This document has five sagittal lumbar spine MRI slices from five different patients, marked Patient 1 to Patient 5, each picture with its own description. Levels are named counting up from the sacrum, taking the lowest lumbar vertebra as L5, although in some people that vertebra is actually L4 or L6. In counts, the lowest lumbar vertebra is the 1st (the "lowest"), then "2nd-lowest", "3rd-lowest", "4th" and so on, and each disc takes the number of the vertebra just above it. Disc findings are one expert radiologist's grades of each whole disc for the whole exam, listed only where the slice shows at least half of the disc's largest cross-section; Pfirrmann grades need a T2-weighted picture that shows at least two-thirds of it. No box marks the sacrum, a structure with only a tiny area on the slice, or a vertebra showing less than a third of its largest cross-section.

Patient 1 of 5:
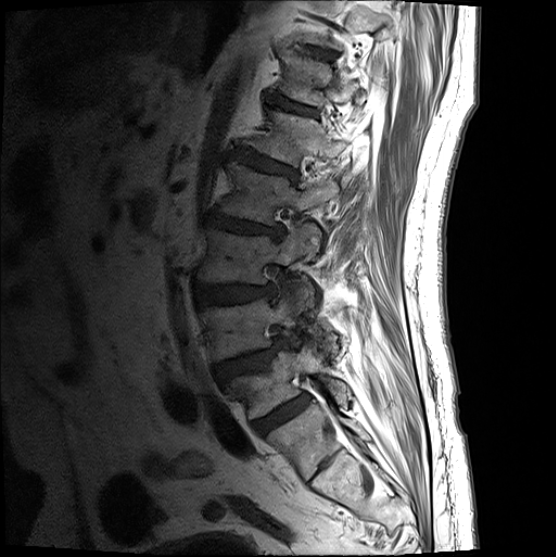
Patient sex: M. 556x557 px. MRI lumbar spine (T1-weighted), sagittal plane.
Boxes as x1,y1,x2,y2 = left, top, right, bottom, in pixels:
3rd-lowest disc at 195,286,275,308; 2nd-lowest disc at 216,340,284,384; 3rd-lowest vertebra at 198,224,321,308; 4th vertebra at 220,164,339,227; 2nd-lowest vertebra at 201,296,296,363; 5th disc at 236,151,296,181; 6th disc at 276,99,317,118; lowest disc at 253,396,309,435; lowest vertebra at 228,345,349,420; 5th vertebra at 249,114,345,168; 4th disc at 207,214,283,239.

Per-level radiological findings:
• 2nd-lowest disc: upper-endplate change, disc herniation, spondylolisthesis
• 3rd-lowest disc: disc bulging
• 4th disc: lower-endplate change, upper-endplate change, disc narrowing, disc bulging
• 5th disc: lower-endplate change, upper-endplate change, disc bulging
• 6th disc, lowest disc: no herniation, bulging, narrowing, spondylolisthesis, endplate or Modic change recorded

Patient 2 of 5:
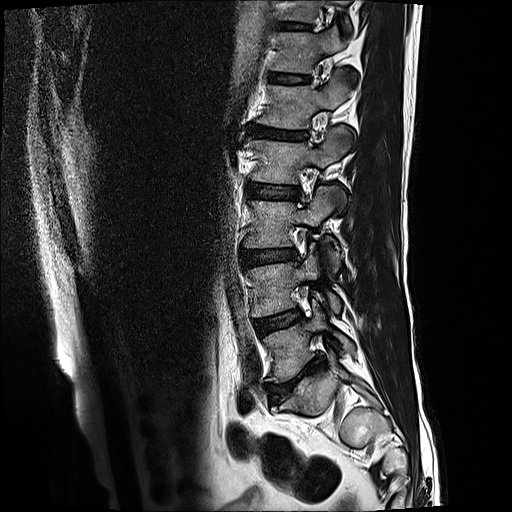 MRI lumbar spine (T2-weighted), sagittal plane | Slice 15 of 17

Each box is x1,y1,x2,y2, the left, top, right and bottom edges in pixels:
L2/L3 — 246,182,300,198.
L2 vertebra — 246,127,349,183.
L3 vertebra — 244,186,339,269.
L4 — 247,252,341,317.
Disc L3/L4 — 242,246,296,265.
T12 — 270,26,345,72.
L1 vertebra — 257,74,349,127.
Disc L5/S1 — 266,354,326,401.
Disc T12/L1 — 268,71,309,83.
Disc L4/L5 — 254,309,302,333.
L5 vertebra — 262,302,354,381.
Disc L1/L2 — 246,125,307,140.
T11/T12 — 278,22,312,29.

Radiological gradings:
  L1/L2: Pfirrmann grade 5, disc narrowing, upper-endplate change, disc bulging, Modic type II, lower-endplate change
  L5/S1: Pfirrmann grade 5, disc narrowing, Modic type II, upper-endplate change, disc bulging, lower-endplate change
  T11/T12: lower-endplate change, upper-endplate change
  T12/L1: Pfirrmann grade 3
  L3/L4: Pfirrmann grade 3, lower-endplate change, upper-endplate change, disc bulging
  L2/L3: Pfirrmann grade 3

Patient 3 of 5:
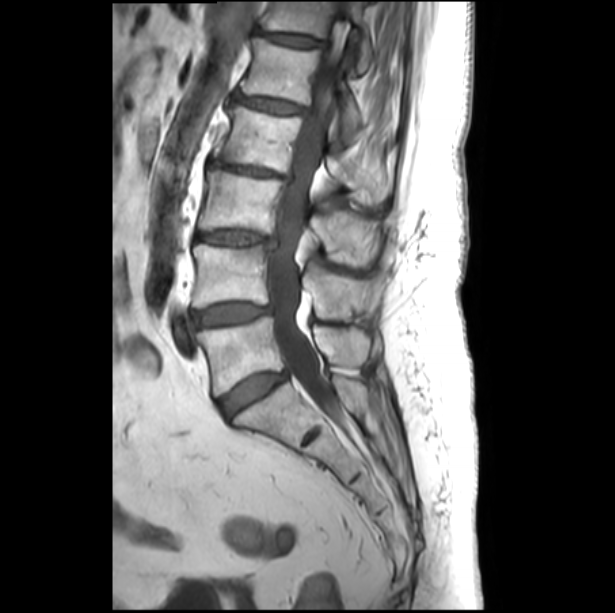

Image 615x613. MRI lumbar spine (T1-weighted), sagittal plane. Sex F.

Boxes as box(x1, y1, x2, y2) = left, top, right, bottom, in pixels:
6th vertebra at box(261, 2, 373, 73); 4th disc at box(209, 159, 290, 179); 3rd-lowest vertebra at box(199, 169, 377, 266); 5th vertebra at box(240, 38, 364, 138); 2nd-lowest vertebra at box(192, 244, 376, 320); 2nd-lowest disc at box(191, 302, 271, 327); 4th vertebra at box(214, 104, 390, 203); thecal sac / spinal canal at box(268, 20, 346, 408); 3rd-lowest disc at box(195, 231, 276, 246); 6th disc at box(260, 32, 323, 46); 5th disc at box(234, 94, 304, 113); lowest vertebra at box(197, 316, 370, 395); lowest disc at box(218, 373, 286, 417).

Expert MSK radiologist gradings (per disc):
• 4th disc: Modic type II, upper-endplate change, disc bulging, disc narrowing, lower-endplate change
• 6th disc: Modic type II, lower-endplate change, disc bulging, upper-endplate change
• 5th disc: upper-endplate change, disc bulging, Modic type II, lower-endplate change
• lowest disc: disc bulging
• 2nd-lowest disc: disc bulging
• 3rd-lowest disc: lower-endplate change, disc narrowing, disc bulging, upper-endplate change, Modic type II

Patient 4 of 5:
Slice 6 of 15; MRI lumbar spine (T2-weighted), sagittal plane

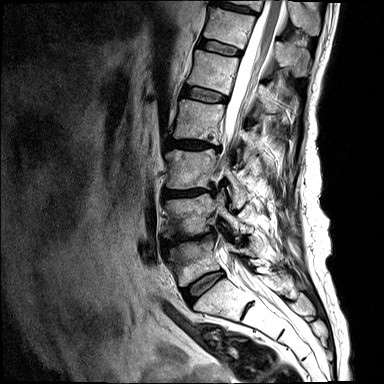
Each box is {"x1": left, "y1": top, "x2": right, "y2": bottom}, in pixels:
Disc T11/T12: {"x1": 211, "y1": 1, "x2": 255, "y2": 13}.
Disc L1/L2: {"x1": 182, "y1": 86, "x2": 227, "y2": 102}.
T12 vertebra: {"x1": 203, "y1": 6, "x2": 308, "y2": 75}.
L5/S1: {"x1": 183, "y1": 271, "x2": 223, "y2": 304}.
L3: {"x1": 166, "y1": 149, "x2": 247, "y2": 209}.
Disc L4/L5: {"x1": 173, "y1": 232, "x2": 212, "y2": 244}.
Disc T12/L1: {"x1": 198, "y1": 37, "x2": 242, "y2": 56}.
L2/L3: {"x1": 167, "y1": 139, "x2": 220, "y2": 152}.
L1: {"x1": 187, "y1": 49, "x2": 273, "y2": 116}.
Spinal canal: {"x1": 222, "y1": 0, "x2": 283, "y2": 289}.
L3/L4: {"x1": 164, "y1": 189, "x2": 215, "y2": 196}.
L4 vertebra: {"x1": 166, "y1": 191, "x2": 253, "y2": 234}.
L5 vertebra: {"x1": 168, "y1": 238, "x2": 255, "y2": 286}.
T11: {"x1": 231, "y1": 0, "x2": 319, "y2": 34}.
L2: {"x1": 173, "y1": 99, "x2": 258, "y2": 162}.

Per-level radiological findings:
  T11/T12: Pfirrmann grade 3, upper-endplate change, lower-endplate change
  T12/L1: Pfirrmann grade 3
  L5/S1: Pfirrmann grade 3, Modic type II, disc bulging
  L2/L3: Pfirrmann grade 4, lower-endplate change, Modic type II, disc narrowing, upper-endplate change, disc bulging
  L1/L2: Pfirrmann grade 3
  L4/L5: upper-endplate change, lower-endplate change, disc bulging, disc narrowing, Modic type I
  L3/L4: disc narrowing, lower-endplate change, disc herniation, Modic type II, disc bulging, upper-endplate change

Patient 5 of 5:
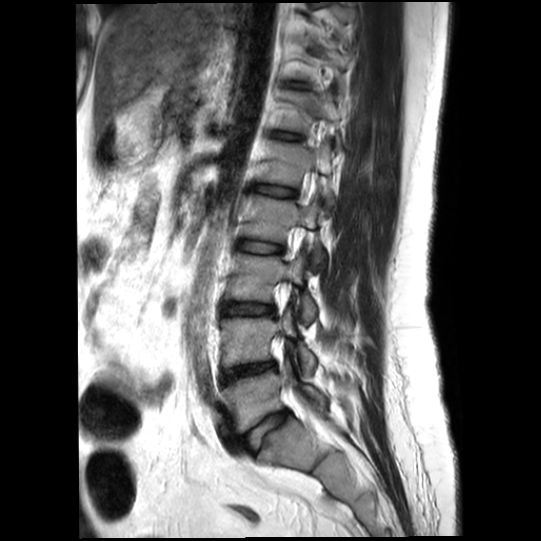 Lumbar spine MR, T2-weighted, sagittal

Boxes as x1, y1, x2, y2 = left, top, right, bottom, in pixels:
{"L1/L2": "253, 184, 296, 197", "T11/T12": "288, 81, 304, 87", "L2/L3": "236, 240, 282, 253", "L2": "240, 194, 325, 265", "T12/L1": "272, 131, 302, 140", "L1 vertebra": "257, 140, 335, 206", "T12 vertebra": "275, 90, 341, 148", "intervertebral disc L5/S1": "248, 411, 289, 450", "L4": "221, 309, 315, 375", "L5 vertebra": "223, 363, 325, 432", "L3": "224, 253, 316, 323", "L4/L5": "222, 362, 275, 383", "intervertebral disc L3/L4": "221, 302, 275, 315"}

Radiological gradings:
• L3/L4: Pfirrmann grade 2, lower-endplate change, upper-endplate change, disc bulging, disc narrowing
• L5/S1: disc narrowing, disc bulging, lower-endplate change, upper-endplate change
• L1/L2: Pfirrmann grade 1, lower-endplate change
• L4/L5: Pfirrmann grade 5, disc narrowing, disc bulging, lower-endplate change, upper-endplate change
• L2/L3: Pfirrmann grade 1, lower-endplate change
• T12/L1: lower-endplate change